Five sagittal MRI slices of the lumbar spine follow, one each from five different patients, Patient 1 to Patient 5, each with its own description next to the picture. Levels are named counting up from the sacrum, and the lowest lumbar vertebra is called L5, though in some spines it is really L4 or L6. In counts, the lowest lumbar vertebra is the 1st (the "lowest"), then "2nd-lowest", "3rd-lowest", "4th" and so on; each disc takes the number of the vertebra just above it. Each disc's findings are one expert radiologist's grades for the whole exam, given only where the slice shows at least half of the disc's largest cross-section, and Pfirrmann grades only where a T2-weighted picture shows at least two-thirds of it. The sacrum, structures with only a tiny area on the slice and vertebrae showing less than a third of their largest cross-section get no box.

Patient 1 of 5:
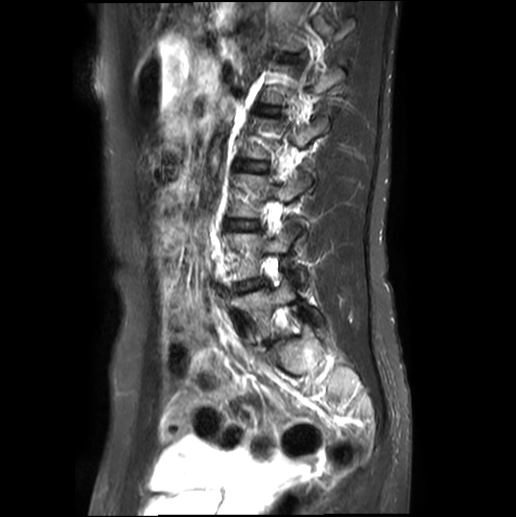
Field of view 308x309 mm, MRI lumbar spine (T2-weighted), sagittal plane

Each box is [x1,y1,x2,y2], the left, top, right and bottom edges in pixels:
Lowest vertebra: [243,281,320,337].
3rd-lowest vertebra: [228,173,305,217].
4th disc: [242,162,269,171].
2nd-lowest disc: [236,280,259,291].
2nd-lowest vertebra: [229,231,306,282].
3rd-lowest disc: [225,220,257,230].

Patient 2 of 5:
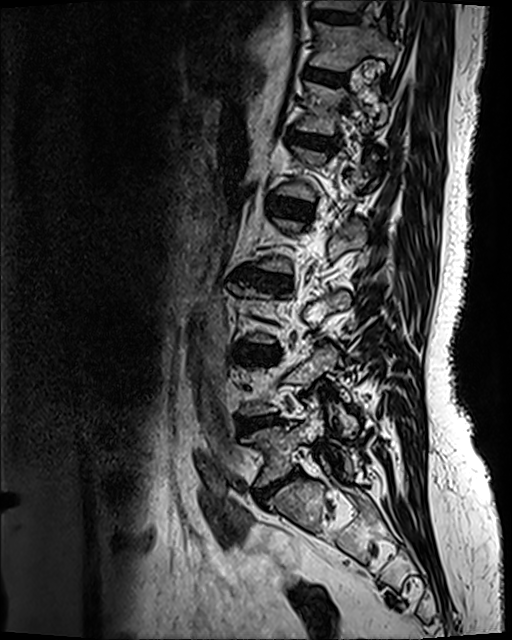
MRI lumbar spine (T2 SPACE (3D)), sagittal plane.
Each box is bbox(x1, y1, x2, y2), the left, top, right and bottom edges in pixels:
{"T12": "bbox(298, 82, 387, 134)", "T11 vertebra": "bbox(310, 23, 394, 69)", "T10": "bbox(312, 0, 402, 28)", "disc T11/T12": "bbox(304, 69, 345, 83)", "disc L4/L5": "bbox(238, 415, 280, 432)", "disc T12/L1": "bbox(287, 132, 336, 150)", "disc L3/L4": "bbox(235, 345, 277, 357)", "L5/S1": "bbox(255, 469, 299, 501)", "L2/L3": "bbox(235, 269, 291, 289)", "disc L1/L2": "bbox(266, 197, 313, 219)", "disc T10/T11": "bbox(310, 9, 356, 22)", "L5": "bbox(245, 410, 350, 486)"}

Degenerative findings by level:
• T12/L1: disc bulging
• L1/L2: Pfirrmann grade 2
• L2/L3: Pfirrmann grade 4, Modic type II, disc narrowing, disc bulging, upper-endplate change, lower-endplate change
• T10/T11, T11/T12: no herniation, bulging, narrowing, spondylolisthesis, endplate or Modic change recorded

Patient 3 of 5:
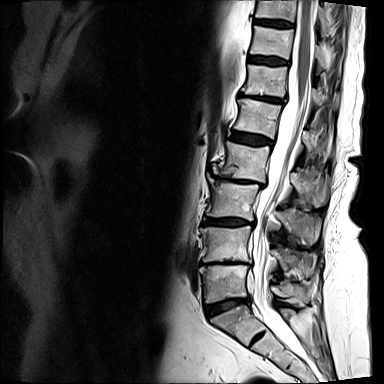

Sagittal slice index 6 | 384x384 px | MRI lumbar spine (T2-weighted), sagittal plane | Field of view 280x280 mm, slice spacing 4.8 mm
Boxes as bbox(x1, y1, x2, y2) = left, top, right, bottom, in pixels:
Segmented structures:
- L3 (3rd-lowest vertebra) at bbox(206, 174, 321, 244)
- T12 (6th vertebra) at bbox(242, 65, 336, 106)
- L1 (5th vertebra) at bbox(234, 98, 331, 158)
- L5 (lowest vertebra) at bbox(199, 265, 311, 303)
- intervertebral disc L1/L2 (5th disc) at bbox(232, 132, 272, 145)
- L2/L3 (4th disc) at bbox(216, 176, 252, 182)
- T10 (8th vertebra) at bbox(256, 0, 336, 34)
- L4/L5 (2nd-lowest disc) at bbox(201, 261, 250, 264)
- L4 (2nd-lowest vertebra) at bbox(201, 226, 316, 279)
- thecal sac / spinal canal at bbox(252, 0, 316, 356)
- intervertebral disc L5/S1 (lowest disc) at bbox(205, 297, 251, 316)
- T12/L1 (6th disc) at bbox(239, 93, 284, 102)
- T11/T12 (7th disc) at bbox(248, 56, 287, 65)
- T11 (7th vertebra) at bbox(250, 26, 340, 74)
- L2 (4th vertebra) at bbox(213, 141, 330, 207)
- intervertebral disc L3/L4 (3rd-lowest disc) at bbox(203, 218, 254, 225)
- T10/T11 (8th disc) at bbox(254, 20, 292, 26)

Expert MSK radiologist gradings (per disc):
• T12/L1 (6th disc): Pfirrmann grade 5, lower-endplate change, upper-endplate change, Modic type II, disc narrowing, disc bulging
• L4/L5 (2nd-lowest disc): Pfirrmann grade 5, Modic type II, upper-endplate change, disc bulging, lower-endplate change, disc narrowing
• T11/T12 (7th disc): Pfirrmann grade 4
• L5/S1 (lowest disc): Pfirrmann grade 3, disc narrowing, disc bulging, upper-endplate change, lower-endplate change, Modic type II
• L1/L2 (5th disc): Pfirrmann grade 4, lower-endplate change, disc bulging, upper-endplate change
• T10/T11 (8th disc): Pfirrmann grade 4
• L2/L3 (4th disc): disc narrowing, spondylolisthesis, Modic type II, lower-endplate change, disc bulging, upper-endplate change
• L3/L4 (3rd-lowest disc): Pfirrmann grade 4, disc bulging, upper-endplate change, lower-endplate change

Patient 4 of 5:
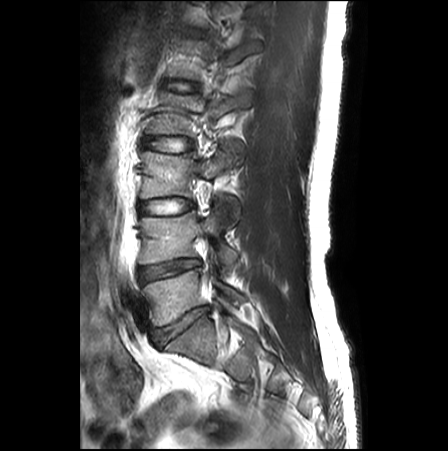 Patient sex: M | Lumbar spine MR, T2-weighted, sagittal
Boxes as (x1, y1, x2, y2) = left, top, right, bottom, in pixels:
2nd-lowest disc: (139, 260, 201, 281)
4th vertebra: (146, 87, 251, 136)
lowest vertebra: (143, 257, 243, 326)
4th disc: (144, 137, 191, 152)
3rd-lowest disc: (140, 198, 194, 214)
3rd-lowest vertebra: (140, 142, 240, 220)
2nd-lowest vertebra: (139, 210, 237, 271)
lowest disc: (154, 306, 209, 344)

Degenerative findings by level:
- 3rd-lowest disc: Pfirrmann grade 1
- 2nd-lowest disc: Pfirrmann grade 3, disc bulging, disc narrowing
- lowest disc: Pfirrmann grade 3, disc narrowing, disc bulging
- 4th disc: no Modic or endplate change, herniation, narrowing, bulging or spondylolisthesis recorded

Patient 5 of 5:
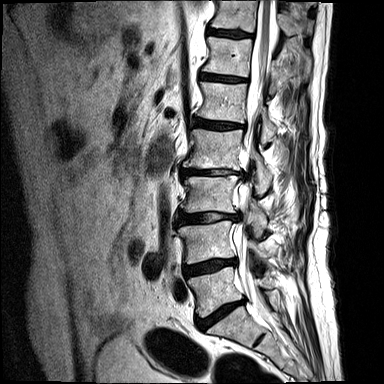
Lumbar spine MR, T2-weighted, sagittal, Slice spacing 4.4 mm
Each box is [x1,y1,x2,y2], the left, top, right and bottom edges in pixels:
T11 (7th vertebra) = [210,0,311,36].
T12 (6th vertebra) = [202,36,308,93].
L5 (lowest vertebra) = [187,267,271,317].
L2 (4th vertebra) = [182,128,271,195].
Thecal sac / spinal canal = [232,0,273,322].
L1/L2 (5th disc) = [193,118,243,128].
L4 (2nd-lowest vertebra) = [178,220,267,263].
L3 (3rd-lowest vertebra) = [180,175,266,234].
L1 (5th vertebra) = [197,81,275,143].
Disc L4/L5 (2nd-lowest disc) = [183,259,235,276].
T11/T12 (7th disc) = [207,29,251,38].
L5/S1 (lowest disc) = [196,299,244,330].
Disc L3/L4 (3rd-lowest disc) = [177,213,237,224].
L2/L3 (4th disc) = [181,168,242,176].
T12/L1 (6th disc) = [200,73,244,81].

Degenerative findings by level:
- L1/L2 (5th disc): Pfirrmann grade 4, lower-endplate change, disc bulging, Modic type II, disc narrowing
- L5/S1 (lowest disc): Pfirrmann grade 4, Modic type II, disc narrowing, disc bulging
- T12/L1 (6th disc): Pfirrmann grade 4, disc narrowing, Modic type II
- L2/L3 (4th disc): Pfirrmann grade 4, Modic type II, disc herniation, lower-endplate change, disc narrowing
- L3/L4 (3rd-lowest disc): Pfirrmann grade 4, lower-endplate change, disc narrowing, Modic type II, disc herniation, upper-endplate change
- T11/T12 (7th disc): Pfirrmann grade 4, Modic type II, upper-endplate change, lower-endplate change, disc narrowing
- L4/L5 (2nd-lowest disc): Pfirrmann grade 4, Modic type II, disc narrowing, disc bulging, lower-endplate change